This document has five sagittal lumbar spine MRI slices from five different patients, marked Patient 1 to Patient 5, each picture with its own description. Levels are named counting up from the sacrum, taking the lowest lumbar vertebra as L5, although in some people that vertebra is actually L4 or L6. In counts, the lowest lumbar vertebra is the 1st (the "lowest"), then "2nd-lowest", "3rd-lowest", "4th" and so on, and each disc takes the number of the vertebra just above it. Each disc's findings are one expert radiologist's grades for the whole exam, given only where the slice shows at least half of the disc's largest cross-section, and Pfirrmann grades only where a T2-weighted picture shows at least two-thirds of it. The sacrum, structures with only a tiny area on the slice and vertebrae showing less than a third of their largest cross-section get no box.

Patient 1 of 5:
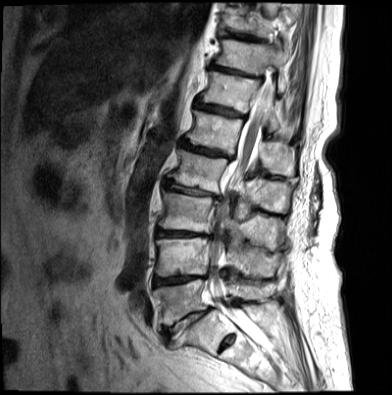 Field of view 280x282 mm | Sex F | Slice 8 of 17 | MRI lumbar spine (T2-weighted), sagittal plane | Image 392x395

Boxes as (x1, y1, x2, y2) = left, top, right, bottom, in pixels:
L5 (lowest vertebra) — (151, 280, 275, 325).
L3/L4 (3rd-lowest disc) — (154, 229, 209, 239).
L4 (2nd-lowest vertebra) — (154, 237, 277, 277).
IVD T12/L1 (6th disc) — (194, 100, 242, 116).
T12 (6th vertebra) — (200, 72, 279, 131).
L1 (5th vertebra) — (185, 110, 294, 176).
IVD T11/T12 (7th disc) — (209, 65, 251, 76).
L2/L3 (4th disc) — (162, 179, 217, 200).
Spinal canal — (207, 87, 269, 333).
T10 (8th vertebra) — (223, 4, 297, 37).
IVD L5/S1 (lowest disc) — (162, 309, 209, 341).
IVD L1/L2 (5th disc) — (180, 139, 231, 162).
L3 (3rd-lowest vertebra) — (158, 191, 280, 250).
L2 (4th vertebra) — (167, 149, 287, 220).
L4/L5 (2nd-lowest disc) — (151, 276, 205, 286).
T11 (7th vertebra) — (214, 40, 289, 89).
IVD T10/T11 (8th disc) — (224, 33, 258, 41).

Radiological gradings:
• L4/L5 (2nd-lowest disc): Pfirrmann grade 5, Modic type II, disc bulging, upper-endplate change, disc narrowing, lower-endplate change
• T12/L1 (6th disc): Pfirrmann grade 4, disc bulging, Modic type II, upper-endplate change, disc narrowing, lower-endplate change
• T11/T12 (7th disc): Pfirrmann grade 4, disc bulging, Modic type II, disc narrowing
• L1/L2 (5th disc): Pfirrmann grade 4, Modic type II, lower-endplate change, upper-endplate change, disc narrowing, disc bulging
• L2/L3 (4th disc): Pfirrmann grade 3, disc narrowing, disc herniation, upper-endplate change, Modic type II, lower-endplate change, disc bulging
• L3/L4 (3rd-lowest disc): Pfirrmann grade 5, lower-endplate change, disc bulging, upper-endplate change, Modic type II, disc narrowing
• L5/S1 (lowest disc): Pfirrmann grade 3, disc narrowing, Modic type II, disc bulging, spondylolisthesis
• T10/T11 (8th disc): Modic type II

Patient 2 of 5:
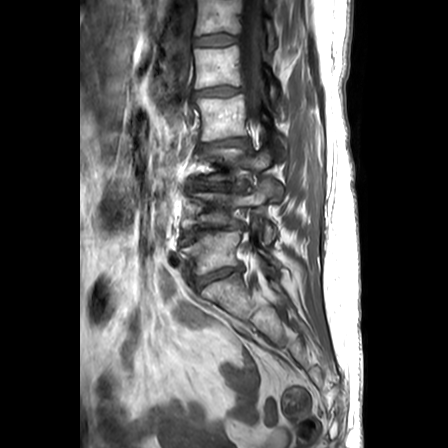

Lumbar spine MR, T1-weighted, sagittal
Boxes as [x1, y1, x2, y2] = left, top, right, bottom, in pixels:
T12: [195, 0, 275, 51].
L3 vertebra: [197, 146, 271, 180].
L2 vertebra: [193, 94, 285, 157].
L5/S1: [194, 266, 242, 289].
T12/L1: [193, 34, 238, 45].
L1 vertebra: [194, 45, 276, 100].
L4: [182, 179, 281, 243].
L2/L3: [197, 136, 249, 151].
L3/L4: [191, 180, 247, 189].
L1/L2: [193, 86, 242, 96].
Thecal sac / spinal canal: [240, 0, 261, 124].
L5: [182, 230, 278, 274].
L4/L5: [183, 223, 242, 240].

Degenerative findings by level:
- L2/L3: lower-endplate change, disc bulging, disc narrowing, upper-endplate change
- L3/L4: lower-endplate change, disc narrowing, upper-endplate change, disc bulging, Modic type II
- L1/L2: disc bulging
- L5/S1: upper-endplate change, disc narrowing, disc bulging, lower-endplate change
- L4/L5: Modic type II, disc bulging, disc narrowing, upper-endplate change, lower-endplate change
- T12/L1: no Modic or endplate change, herniation, narrowing, bulging or spondylolisthesis recorded

Patient 3 of 5:
Image 512x640 | MRI lumbar spine (T2 SPACE (3D)), sagittal plane | Field of view 240x300 mm
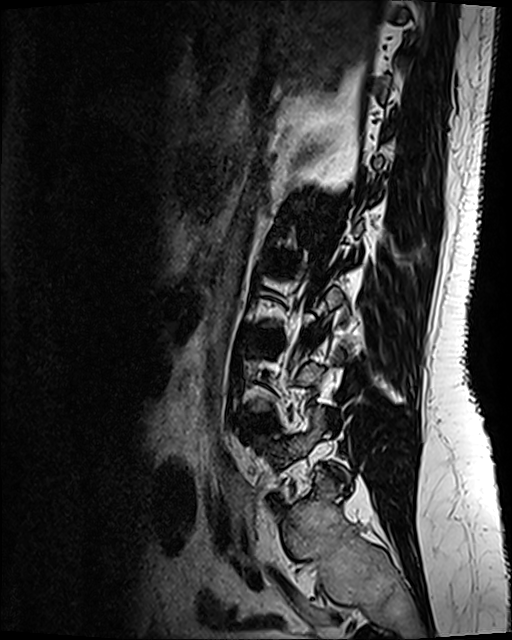

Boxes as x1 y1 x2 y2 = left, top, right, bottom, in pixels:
- 2nd-lowest disc at 244 415 273 430
- 4th disc at 263 259 291 269
- 3rd-lowest disc at 250 335 269 344

Patient 4 of 5:
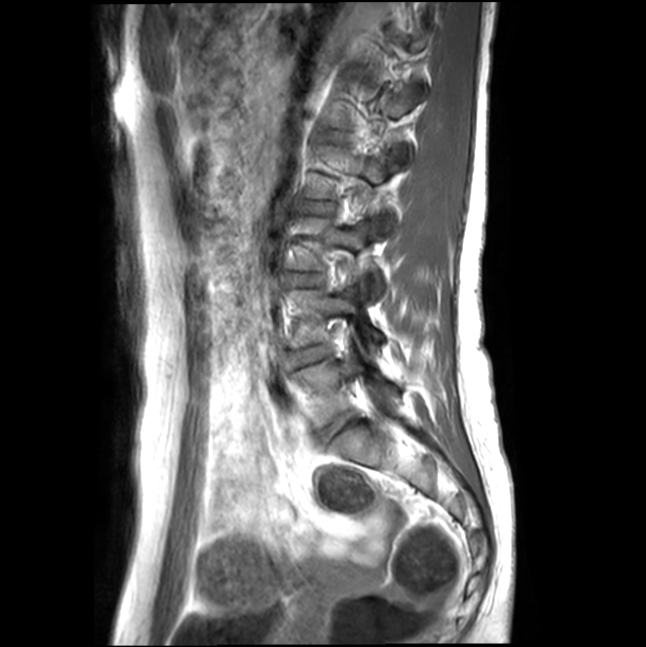 Field of view 308x308 mm, slice spacing 4.4 mm; Sagittal slice index 4; MRI lumbar spine (T1-weighted), sagittal plane; Sex F
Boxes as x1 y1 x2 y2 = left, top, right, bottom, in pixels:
L2/L3 = 301 200 335 214.
L3 vertebra = 289 216 381 293.
L4 = 286 288 382 347.
Intervertebral disc L5/S1 = 322 418 350 439.
Intervertebral disc L3/L4 = 286 273 321 286.
L2 vertebra = 306 146 401 230.
L5 vertebra = 292 359 397 426.
Intervertebral disc L4/L5 = 288 346 327 366.

Degenerative findings by level:
• L2/L3, L4/L5, L3/L4: no Modic or endplate change, herniation, narrowing, bulging or spondylolisthesis recorded

Patient 5 of 5:
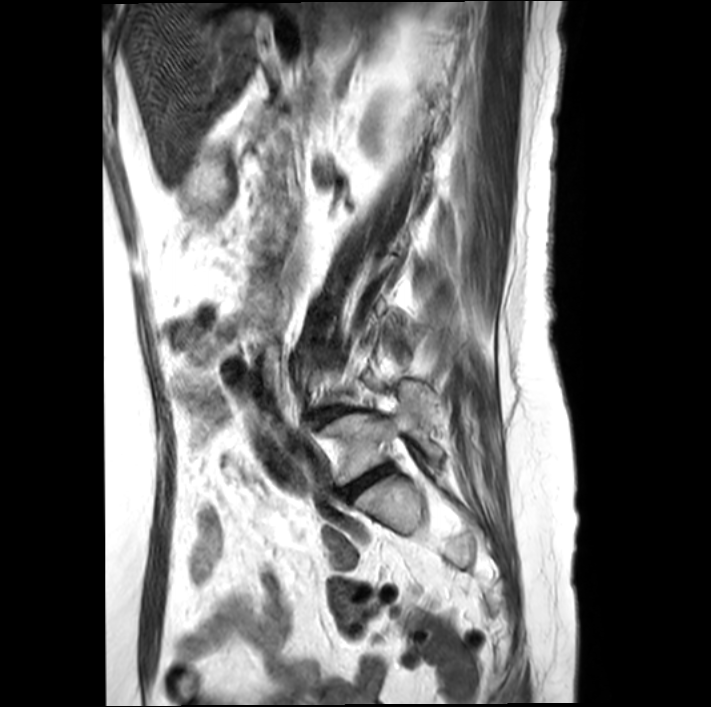
Lumbar spine MR, T2-weighted, sagittal
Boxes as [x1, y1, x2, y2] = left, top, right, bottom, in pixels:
intervertebral disc L5/S1: [342, 465, 391, 496]
L5 vertebra: [322, 396, 442, 483]
intervertebral disc L4/L5: [322, 408, 343, 419]